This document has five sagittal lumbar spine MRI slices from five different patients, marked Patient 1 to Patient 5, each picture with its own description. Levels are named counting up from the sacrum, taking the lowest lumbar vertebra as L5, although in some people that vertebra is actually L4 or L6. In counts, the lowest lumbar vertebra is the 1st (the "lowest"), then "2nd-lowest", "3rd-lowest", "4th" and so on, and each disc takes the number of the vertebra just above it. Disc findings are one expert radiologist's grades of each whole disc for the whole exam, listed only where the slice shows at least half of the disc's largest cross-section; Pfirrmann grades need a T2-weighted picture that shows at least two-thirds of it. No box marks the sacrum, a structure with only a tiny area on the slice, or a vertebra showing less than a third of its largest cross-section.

Patient 1 of 5:
Sagittal slice index 14. 384x389 px. MRI lumbar spine (T2-weighted), sagittal plane.
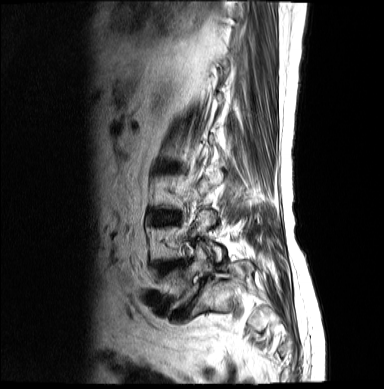 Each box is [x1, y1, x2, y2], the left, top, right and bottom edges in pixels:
L5 (lowest vertebra) — [162, 243, 252, 309].
L5/S1 (lowest disc) — [174, 279, 209, 319].
L3/L4 (3rd-lowest disc) — [161, 215, 180, 221].
Intervertebral disc L4/L5 (2nd-lowest disc) — [163, 262, 186, 273].

Expert MSK radiologist gradings (per disc):
- L5/S1 (lowest disc): spondylolisthesis, lower-endplate change, upper-endplate change, disc herniation, Modic type II, disc narrowing, disc bulging

Patient 2 of 5:
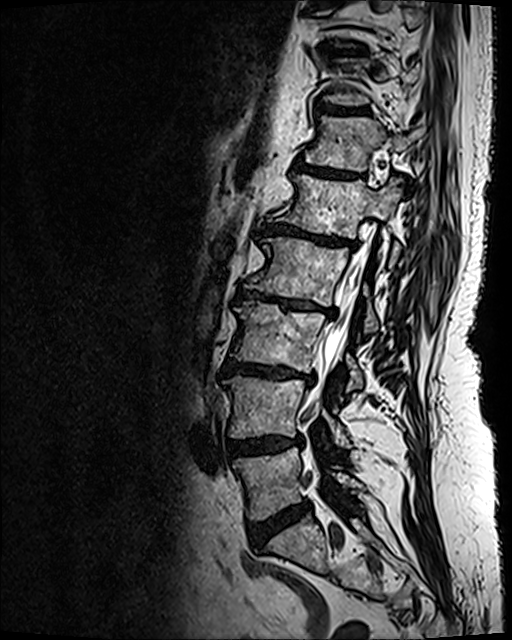 T2 SPACE (3D) sagittal MRI of the lumbar spine; Field of view 240x300 mm, slice spacing 0.9 mm; 512x640 px

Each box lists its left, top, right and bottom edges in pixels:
Structures:
• T12 vertebra — left=305, top=117, right=413, bottom=171
• L5 vertebra — left=233, top=448, right=360, bottom=520
• T11/T12 — left=320, top=106, right=350, bottom=113
• T10/T11 — left=324, top=51, right=341, bottom=54
• intervertebral disc L1/L2 — left=261, top=225, right=357, bottom=247
• intervertebral disc L5/S1 — left=248, top=502, right=310, bottom=548
• intervertebral disc L3/L4 — left=223, top=358, right=314, bottom=381
• intervertebral disc L2/L3 — left=237, top=288, right=335, bottom=314
• L4 vertebra — left=224, top=377, right=349, bottom=447
• spinal canal — left=310, top=250, right=368, bottom=416
• L4/L5 — left=226, top=436, right=301, bottom=458
• T12/L1 — left=295, top=163, right=352, bottom=177
• L1 vertebra — left=276, top=175, right=402, bottom=260
• L3 — left=231, top=301, right=362, bottom=389
• L2 vertebra — left=244, top=237, right=377, bottom=333

Degenerative findings by level:
- L2/L3: Modic type II, disc narrowing, disc bulging, upper-endplate change, lower-endplate change
- L5/S1: Pfirrmann grade 4, disc bulging
- T12/L1: Modic type II, upper-endplate change, lower-endplate change
- L3/L4: Pfirrmann grade 5, disc bulging, upper-endplate change, disc narrowing, lower-endplate change, Modic type II
- L1/L2: Pfirrmann grade 5, upper-endplate change, lower-endplate change, Modic type II, disc narrowing, disc bulging
- L4/L5: Pfirrmann grade 4, disc bulging, lower-endplate change, upper-endplate change

Patient 3 of 5:
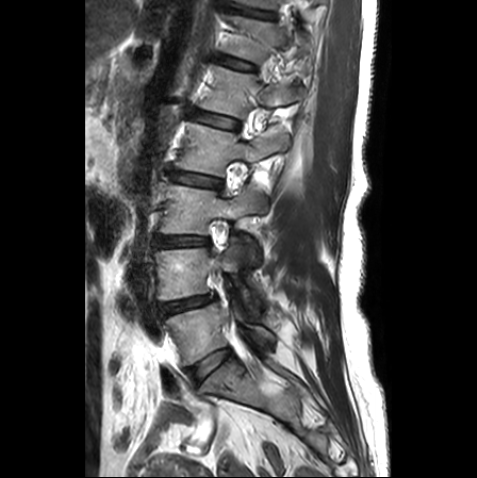
Sex F, T2-weighted sagittal MRI of the lumbar spine
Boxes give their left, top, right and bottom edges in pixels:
* disc L1/L2 — left=193, top=109, right=237, bottom=129
* L1 vertebra — left=200, top=67, right=300, bottom=118
* L5 — left=166, top=303, right=274, bottom=364
* disc T12/L1 — left=217, top=56, right=253, bottom=70
* L2 — left=176, top=121, right=290, bottom=175
* disc T11/T12 — left=240, top=9, right=274, bottom=19
* L4/L5 — left=160, top=296, right=209, bottom=316
* L3 — left=161, top=183, right=264, bottom=234
* T12 — left=227, top=16, right=283, bottom=61
* disc L5/S1 — left=187, top=349, right=230, bottom=381
* L4 — left=155, top=239, right=239, bottom=300
* disc L3/L4 — left=156, top=236, right=209, bottom=246
* disc L2/L3 — left=171, top=171, right=221, bottom=188

Per-level radiological findings:
  L3/L4: Pfirrmann grade 2, disc narrowing, disc bulging
  L4/L5: Pfirrmann grade 3, upper-endplate change, disc narrowing, lower-endplate change, disc bulging
  L1/L2: Pfirrmann grade 1, upper-endplate change, lower-endplate change
  T11/T12: upper-endplate change, disc narrowing, lower-endplate change
  T12/L1: upper-endplate change, lower-endplate change
  L5/S1: Pfirrmann grade 1
  L2/L3: Pfirrmann grade 2, lower-endplate change, upper-endplate change, disc bulging

Patient 4 of 5:
Slice 80/124, T2 SPACE (3D) sagittal MRI of the lumbar spine, SIEMENS Avanto_fit (1.5T) 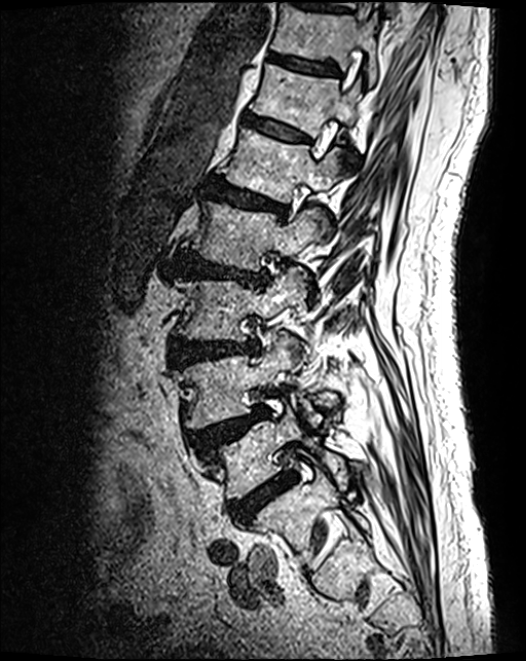 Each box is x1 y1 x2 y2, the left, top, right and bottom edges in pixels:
7th disc at 268 53 339 76.
3rd-lowest disc at 172 341 257 363.
4th vertebra at 185 199 319 293.
5th vertebra at 220 128 341 236.
6th vertebra at 251 65 361 167.
Thecal sac / spinal canal at 313 3 375 164.
3rd-lowest vertebra at 177 269 301 362.
2nd-lowest disc at 192 408 267 451.
5th disc at 206 179 286 217.
Lowest vertebra at 210 409 345 500.
Lowest disc at 230 474 294 524.
6th disc at 245 116 308 142.
2nd-lowest vertebra at 181 333 320 429.
4th disc at 176 253 267 286.
7th vertebra at 272 3 379 83.

Per-level radiological findings:
  3rd-lowest disc: Pfirrmann grade 4, disc bulging
  7th disc: Pfirrmann grade 3, lower-endplate change
  4th disc: Pfirrmann grade 4, lower-endplate change, upper-endplate change, disc bulging, disc narrowing
  lowest disc: Pfirrmann grade 4
  5th disc: Pfirrmann grade 4, upper-endplate change, lower-endplate change, disc bulging
  2nd-lowest disc: disc herniation, upper-endplate change, spondylolisthesis
  6th disc: Pfirrmann grade 3

Patient 5 of 5:
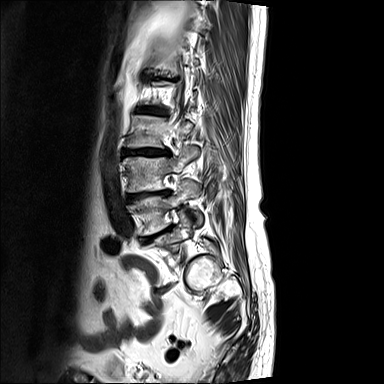
Sagittal slice index 3, Patient sex: F, MRI lumbar spine (T2-weighted), sagittal plane
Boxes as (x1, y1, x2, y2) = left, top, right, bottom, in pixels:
L4 — (131, 182, 201, 234).
L2/L3 — (123, 147, 168, 156).
L5 — (154, 211, 201, 251).
L1/L2 — (138, 107, 162, 114).
L2 — (128, 115, 192, 147).
Disc L3/L4 — (128, 191, 168, 200).
L3 vertebra — (124, 146, 199, 191).

Radiological gradings:
• L3/L4: Modic type II, upper-endplate change, disc bulging, lower-endplate change, disc narrowing
• L2/L3: Pfirrmann grade 5, lower-endplate change, Modic type II, upper-endplate change, disc narrowing, disc bulging